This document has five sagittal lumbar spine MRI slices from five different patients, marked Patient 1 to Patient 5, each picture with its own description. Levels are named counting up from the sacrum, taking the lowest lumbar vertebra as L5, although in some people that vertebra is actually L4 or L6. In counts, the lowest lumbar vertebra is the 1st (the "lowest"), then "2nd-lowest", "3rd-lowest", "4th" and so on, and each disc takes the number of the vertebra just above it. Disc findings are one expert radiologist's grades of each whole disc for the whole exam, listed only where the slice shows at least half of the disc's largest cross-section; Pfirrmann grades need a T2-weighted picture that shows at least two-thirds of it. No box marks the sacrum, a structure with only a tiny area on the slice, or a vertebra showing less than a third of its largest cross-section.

Patient 1 of 5:
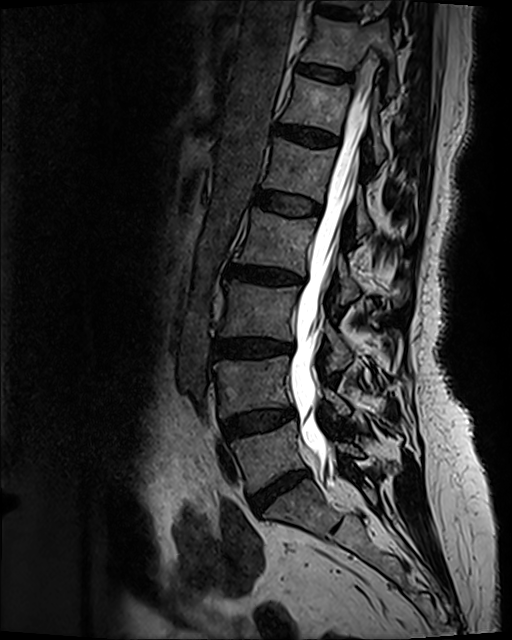

Sagittal slice index 51, T2 SPACE (3D) sagittal MRI of the lumbar spine, 512x640 px

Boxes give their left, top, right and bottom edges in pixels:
L4 vertebra: left=213, top=355, right=349, bottom=416.
L1/L2: left=253, top=191, right=320, bottom=215.
T11: left=302, top=17, right=395, bottom=94.
IVD L2/L3: left=227, top=266, right=301, bottom=284.
Spinal canal: left=288, top=86, right=369, bottom=478.
L5 vertebra: left=231, top=421, right=362, bottom=493.
IVD T10/T11: left=318, top=4, right=351, bottom=19.
T12 vertebra: left=281, top=75, right=384, bottom=162.
L1 vertebra: left=262, top=137, right=411, bottom=239.
L4/L5: left=222, top=407, right=295, bottom=438.
IVD L5/S1: left=252, top=472, right=305, bottom=513.
L3: left=220, top=280, right=350, bottom=371.
L2 vertebra: left=234, top=208, right=402, bottom=305.
T12/L1: left=276, top=124, right=338, bottom=146.
IVD T11/T12: left=299, top=64, right=350, bottom=81.
IVD L3/L4: left=212, top=339, right=292, bottom=355.

Radiological gradings:
  L1/L2: Pfirrmann grade 2
  L4/L5: Pfirrmann grade 3, disc bulging
  L3/L4: Pfirrmann grade 4, lower-endplate change, Modic type II, disc narrowing, disc bulging, upper-endplate change
  L5/S1: Pfirrmann grade 4, disc narrowing, disc bulging
  T12/L1: Pfirrmann grade 3, disc bulging
  L2/L3: Pfirrmann grade 4, disc narrowing, Modic type II, lower-endplate change, upper-endplate change, disc bulging
  T11/T12: Pfirrmann grade 2

Patient 2 of 5:
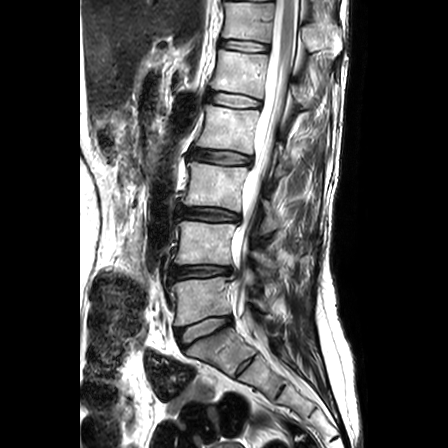
MRI lumbar spine (T2-weighted), sagittal plane

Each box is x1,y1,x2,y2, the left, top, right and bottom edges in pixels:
- L4 = 175,221,298,273
- L2 vertebra = 196,105,295,182
- L2/L3 = 190,149,250,163
- L5/S1 = 177,316,231,347
- L1/L2 = 208,92,260,106
- L4/L5 = 170,265,236,281
- T12 vertebra = 222,2,342,58
- L5 = 172,277,273,325
- L3/L4 = 178,207,239,221
- spinal canal = 234,0,298,316
- L3 vertebra = 181,162,301,233
- T12/L1 = 220,40,267,50
- L1 vertebra = 211,49,308,106

Degenerative findings by level:
  L5/S1: Pfirrmann grade 2
  L3/L4: Pfirrmann grade 3, lower-endplate change, upper-endplate change, disc bulging
  L2/L3: Pfirrmann grade 3, upper-endplate change, disc bulging, Modic type II, lower-endplate change
  L1/L2: Pfirrmann grade 2, upper-endplate change, Modic type II, lower-endplate change
  L4/L5: Pfirrmann grade 3, upper-endplate change, disc herniation, disc narrowing, lower-endplate change
  T12/L1: Pfirrmann grade 2, Modic type II

Patient 3 of 5:
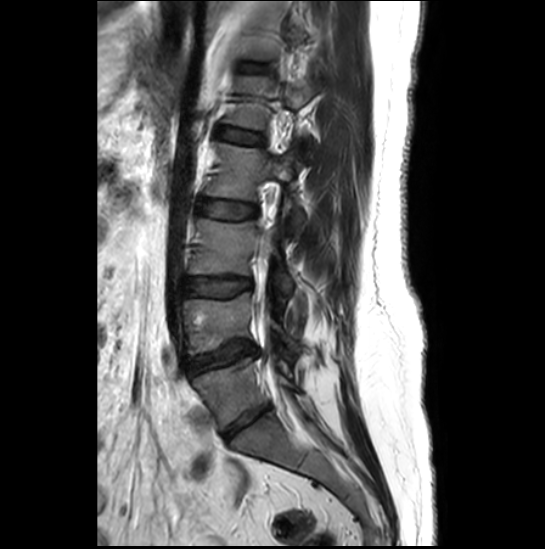 Image 545x549, Sagittal T2-weighted lumbar spine MRI

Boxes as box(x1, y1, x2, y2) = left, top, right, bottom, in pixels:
Structures:
* L3 — box(190, 217, 292, 299)
* L2 — box(206, 144, 304, 231)
* disc L2/L3 — box(197, 200, 256, 218)
* L3/L4 — box(185, 278, 251, 296)
* L5 — box(192, 359, 302, 429)
* spinal canal — box(263, 308, 270, 322)
* L5/S1 — box(224, 406, 270, 438)
* L1/L2 — box(217, 127, 263, 145)
* disc L4/L5 — box(185, 342, 257, 373)
* L4 — box(184, 293, 302, 354)
* L1 — box(225, 77, 318, 155)
* disc T12/L1 — box(243, 66, 268, 71)

Per-level radiological findings:
• L3/L4: Pfirrmann grade 2
• L5/S1: Pfirrmann grade 3, disc narrowing
• L2/L3: Pfirrmann grade 4
• L4/L5: Pfirrmann grade 1, upper-endplate change, Modic type II, lower-endplate change, disc herniation, disc narrowing
• L1/L2: no herniation, bulging, narrowing, spondylolisthesis, endplate or Modic change recorded

Patient 4 of 5:
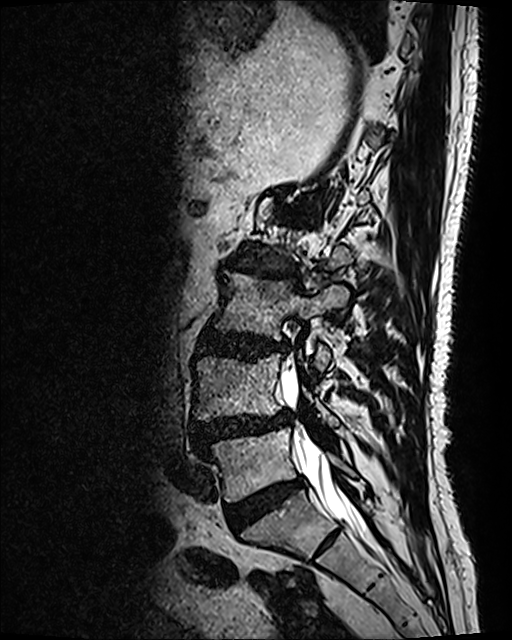 T2 SPACE (3D) sagittal MRI of the lumbar spine

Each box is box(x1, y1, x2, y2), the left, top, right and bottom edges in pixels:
L5/S1 at box(226, 477, 306, 524).
Thecal sac / spinal canal at box(281, 368, 365, 534).
L3 vertebra at box(214, 273, 349, 372).
L3/L4 at box(199, 330, 286, 356).
Intervertebral disc L1/L2 at box(277, 207, 296, 218).
L5 at box(205, 427, 355, 501).
Intervertebral disc L2/L3 at box(245, 267, 296, 280).
Intervertebral disc L4/L5 at box(192, 413, 290, 451).
L4 vertebra at box(193, 352, 337, 425).

Radiological gradings:
  L5/S1: Pfirrmann grade 4
  L4/L5: Pfirrmann grade 4, spondylolisthesis, upper-endplate change, disc narrowing, lower-endplate change, disc herniation, Modic type II, disc bulging
  L3/L4: Pfirrmann grade 4, upper-endplate change, lower-endplate change, disc bulging

Patient 5 of 5:
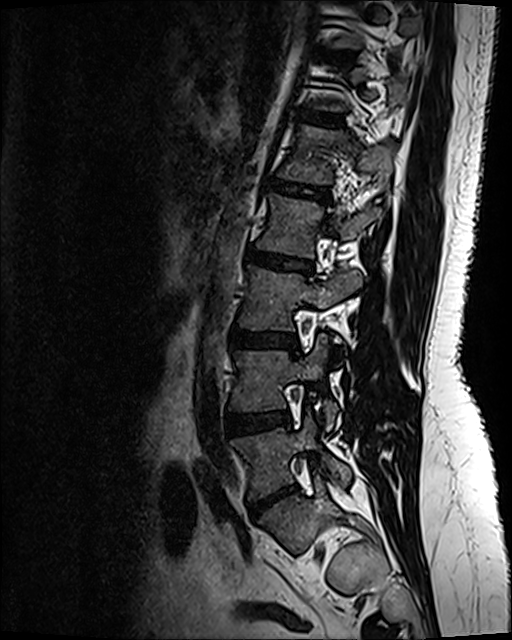
Slice 80 of 120. Sagittal T2 SPACE (3D) lumbar spine MRI. 512x640 px.
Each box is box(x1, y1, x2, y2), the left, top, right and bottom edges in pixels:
{"disc L1/L2 (5th disc)": "box(265, 180, 329, 203)", "disc L4/L5 (2nd-lowest disc)": "box(228, 414, 290, 434)", "L4 (2nd-lowest vertebra)": "box(231, 335, 337, 429)", "disc L3/L4 (3rd-lowest disc)": "box(232, 330, 296, 350)", "L2 (4th vertebra)": "box(258, 196, 379, 257)", "disc L5/S1 (lowest disc)": "box(249, 486, 296, 515)", "L3 (3rd-lowest vertebra)": "box(240, 269, 362, 331)", "T11/T12 (7th disc)": "box(326, 56, 343, 61)", "disc L2/L3 (4th disc)": "box(246, 250, 309, 275)", "L5 (lowest vertebra)": "box(232, 412, 351, 498)", "L1 (5th vertebra)": "box(281, 126, 393, 184)", "T12/L1 (6th disc)": "box(304, 115, 341, 129)"}

Degenerative findings by level:
• T12/L1 (6th disc): upper-endplate change, lower-endplate change
• L3/L4 (3rd-lowest disc): Pfirrmann grade 2, disc bulging
• L1/L2 (5th disc): Pfirrmann grade 2, upper-endplate change, lower-endplate change
• L2/L3 (4th disc): Pfirrmann grade 4, upper-endplate change, disc bulging, lower-endplate change
• L4/L5 (2nd-lowest disc): disc bulging